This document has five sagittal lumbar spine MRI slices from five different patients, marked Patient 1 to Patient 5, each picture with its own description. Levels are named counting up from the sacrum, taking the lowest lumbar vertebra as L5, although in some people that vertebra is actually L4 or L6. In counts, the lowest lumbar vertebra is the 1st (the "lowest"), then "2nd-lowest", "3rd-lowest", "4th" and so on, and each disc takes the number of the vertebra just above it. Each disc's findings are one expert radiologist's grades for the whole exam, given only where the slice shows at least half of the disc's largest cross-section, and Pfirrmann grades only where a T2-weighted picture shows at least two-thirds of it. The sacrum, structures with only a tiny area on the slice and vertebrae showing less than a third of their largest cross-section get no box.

Patient 1 of 5:
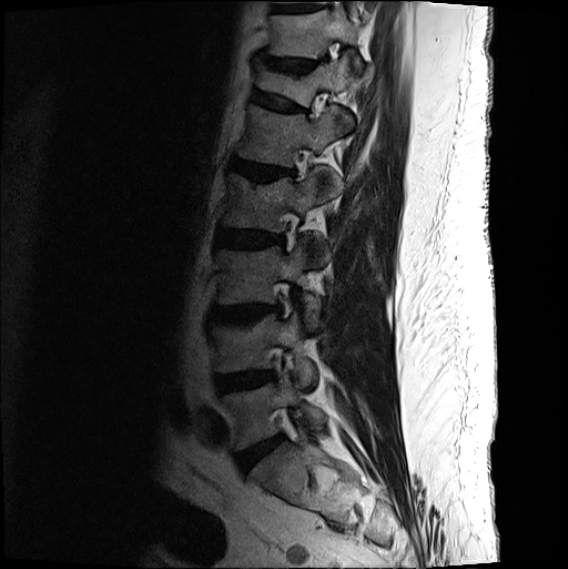 MRI lumbar spine (T2-weighted), sagittal plane; 568x569 px; Sagittal slice index 14

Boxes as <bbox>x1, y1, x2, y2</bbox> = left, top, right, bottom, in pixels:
{"disc T12/L1": "<bbox>253, 90, 304, 110</bbox>", "L3 vertebra": "<bbox>216, 241, 326, 328</bbox>", "T11": "<bbox>266, 9, 363, 69</bbox>", "L4/L5": "<bbox>215, 370, 276, 392</bbox>", "L5": "<bbox>222, 375, 325, 449</bbox>", "T12 vertebra": "<bbox>256, 54, 356, 128</bbox>", "L2": "<bbox>221, 171, 340, 264</bbox>", "L2/L3": "<bbox>216, 228, 284, 247</bbox>", "L3/L4": "<bbox>210, 304, 281, 323</bbox>", "disc T11/T12": "<bbox>254, 52, 326, 73</bbox>", "L1 vertebra": "<bbox>236, 104, 348, 167</bbox>", "disc L5/S1": "<bbox>237, 435, 283, 470</bbox>", "L4 vertebra": "<bbox>210, 310, 317, 386</bbox>", "disc L1/L2": "<bbox>230, 157, 295, 180</bbox>"}

Per-level radiological findings:
• T12/L1: Pfirrmann grade 2, lower-endplate change, disc bulging, upper-endplate change, spondylolisthesis
• L2/L3: Pfirrmann grade 3, lower-endplate change, disc bulging
• L4/L5: Pfirrmann grade 3, disc bulging, disc narrowing
• L1/L2: Pfirrmann grade 3, disc bulging, upper-endplate change, disc narrowing, Modic type II, lower-endplate change
• L3/L4: Pfirrmann grade 3, lower-endplate change, Modic type II, upper-endplate change, disc bulging
• T11/T12: Pfirrmann grade 2, disc narrowing, disc bulging, lower-endplate change, upper-endplate change

Patient 2 of 5:
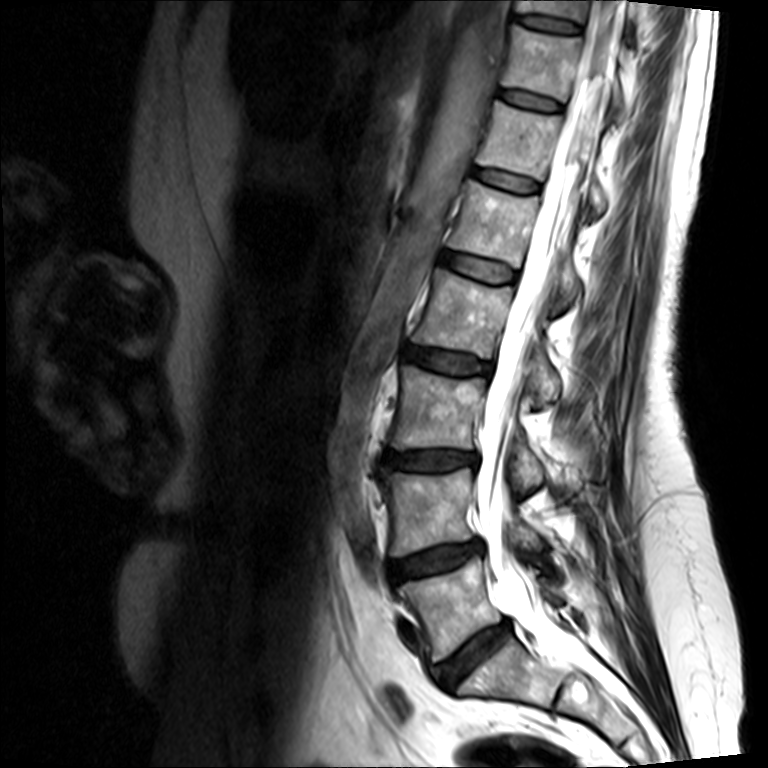 Field of view 280x280 mm; Sex F; Sagittal T2-weighted lumbar spine MRI
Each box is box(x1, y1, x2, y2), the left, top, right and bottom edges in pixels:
Disc L1/L2 (5th disc) — box(441, 251, 515, 281).
L2 (4th vertebra) — box(414, 267, 561, 401).
L3/L4 (3rd-lowest disc) — box(384, 450, 478, 469).
L1 (5th vertebra) — box(450, 180, 582, 300).
T11 (7th vertebra) — box(502, 23, 625, 110).
T11/T12 (7th disc) — box(501, 88, 562, 112).
L5/S1 (lowest disc) — box(431, 620, 511, 690).
T10 (8th vertebra) — box(517, 0, 645, 21).
Disc T12/L1 (6th disc) — box(474, 167, 539, 192).
L4 (2nd-lowest vertebra) — box(385, 468, 539, 556).
T12 (6th vertebra) — box(478, 101, 607, 210).
Disc L4/L5 (2nd-lowest disc) — box(390, 539, 485, 581).
Disc T10/T11 (8th disc) — box(512, 10, 582, 34).
Thecal sac / spinal canal — box(476, 0, 622, 675).
L5 (lowest vertebra) — box(398, 557, 562, 660).
L3 (3rd-lowest vertebra) — box(392, 364, 543, 484).
L2/L3 (4th disc) — box(405, 346, 492, 375).

Degenerative findings by level:
- T12/L1 (6th disc): Pfirrmann grade 2
- T10/T11 (8th disc): Pfirrmann grade 2
- L1/L2 (5th disc): Pfirrmann grade 2
- L4/L5 (2nd-lowest disc): Pfirrmann grade 3, disc herniation, disc narrowing, Modic type II, disc bulging
- T11/T12 (7th disc): Pfirrmann grade 2
- L5/S1 (lowest disc): Pfirrmann grade 3, disc narrowing, disc bulging
- L2/L3 (4th disc): Pfirrmann grade 3, disc bulging
- L3/L4 (3rd-lowest disc): Pfirrmann grade 3, upper-endplate change, lower-endplate change, disc narrowing, disc bulging

Patient 3 of 5:
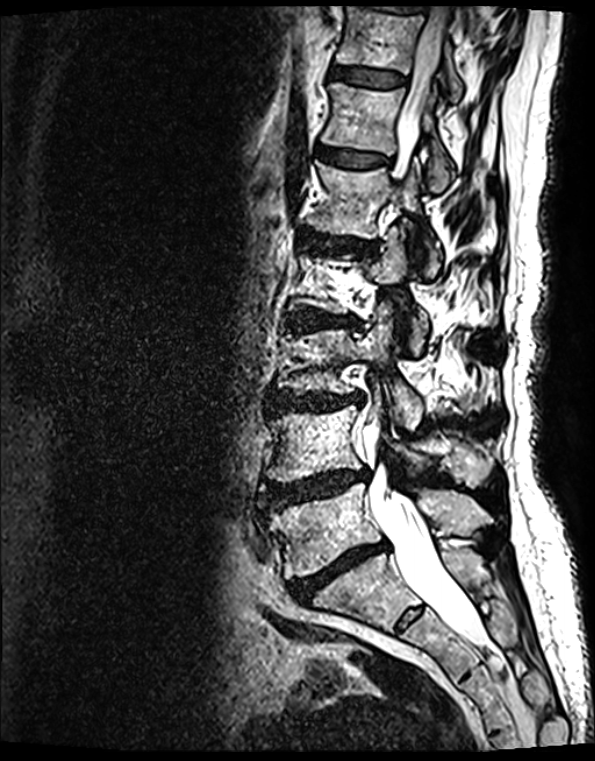 Image 595x761. T2 SPACE (3D) sagittal MRI of the lumbar spine. Slice spacing 0.9 mm.
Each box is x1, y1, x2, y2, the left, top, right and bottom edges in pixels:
L5/S1 — 291, 543, 384, 601.
L1 vertebra — 314, 164, 440, 272.
L3 vertebra — 277, 306, 422, 430.
Spinal canal — 370, 7, 477, 643.
Intervertebral disc L2/L3 — 293, 312, 351, 329.
L1/L2 — 314, 236, 362, 251.
Intervertebral disc L3/L4 — 270, 391, 359, 410.
L4 vertebra — 269, 390, 480, 485.
L5 — 270, 483, 491, 579.
T12/L1 — 319, 148, 385, 168.
Intervertebral disc L4/L5 — 267, 470, 369, 509.
Intervertebral disc T11/T12 — 330, 67, 405, 88.
T12 — 323, 84, 451, 192.
T11 — 336, 7, 461, 102.

Per-level radiological findings:
  L5/S1: Pfirrmann grade 5, upper-endplate change, lower-endplate change, disc bulging, Modic type II, disc narrowing
  T12/L1: Pfirrmann grade 2, lower-endplate change, upper-endplate change, Modic type II
  T11/T12: Pfirrmann grade 2, Modic type II, lower-endplate change, upper-endplate change
  L3/L4: Pfirrmann grade 4, lower-endplate change, disc narrowing, Modic type II, upper-endplate change, disc bulging
  L4/L5: Pfirrmann grade 4, Modic type II, disc bulging, disc herniation, upper-endplate change, disc narrowing, lower-endplate change

Patient 4 of 5:
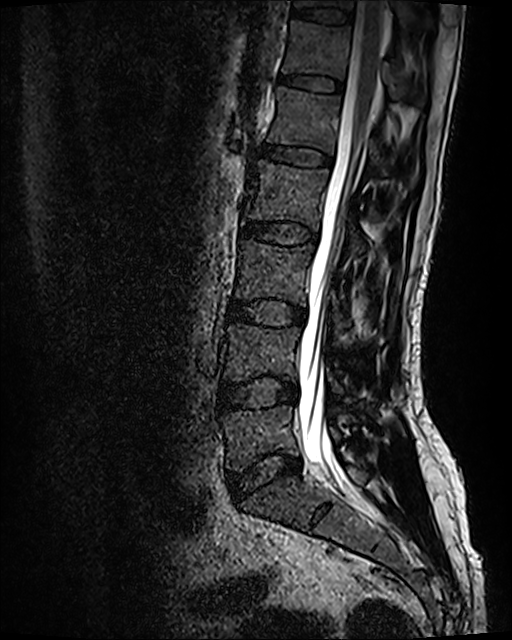 T2 SPACE (3D) sagittal MRI of the lumbar spine; Sagittal slice index 61
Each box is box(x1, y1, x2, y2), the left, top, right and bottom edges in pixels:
{"T11 (7th vertebra)": "box(313, 0, 433, 29)", "L1/L2 (5th disc)": "box(261, 143, 331, 166)", "L1 (5th vertebra)": "box(267, 86, 417, 186)", "disc L5/S1 (lowest disc)": "box(229, 450, 300, 499)", "L2 (4th vertebra)": "box(244, 160, 365, 254)", "L4 (2nd-lowest vertebra)": "box(223, 324, 344, 394)", "spinal canal": "box(299, 1, 384, 488)", "L3 (3rd-lowest vertebra)": "box(235, 238, 349, 329)", "L5 (lowest vertebra)": "box(221, 404, 340, 471)", "disc L4/L5 (2nd-lowest disc)": "box(220, 376, 297, 410)", "T12 (6th vertebra)": "box(282, 20, 407, 99)", "L3/L4 (3rd-lowest disc)": "box(227, 300, 305, 326)", "disc T11/T12 (7th disc)": "box(290, 6, 352, 24)", "L2/L3 (4th disc)": "box(242, 220, 316, 244)", "disc T12/L1 (6th disc)": "box(279, 74, 342, 91)"}

Radiological gradings:
- L4/L5 (2nd-lowest disc): Pfirrmann grade 2, disc bulging
- L5/S1 (lowest disc): Pfirrmann grade 2, disc bulging
- T12/L1 (6th disc): Pfirrmann grade 2
- T11/T12 (7th disc): Pfirrmann grade 2
- L1/L2 (5th disc): Pfirrmann grade 2
- L2/L3 (4th disc): Pfirrmann grade 2
- L3/L4 (3rd-lowest disc): Pfirrmann grade 2, disc bulging

Patient 5 of 5:
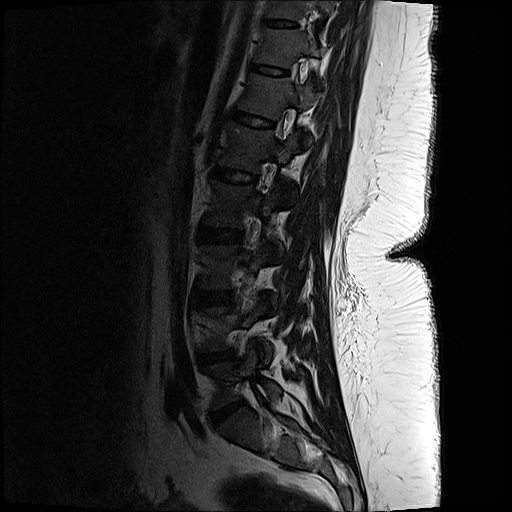

Sagittal T2-weighted lumbar spine MRI | Sex F

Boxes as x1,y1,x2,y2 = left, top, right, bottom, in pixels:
L5 — 210,342,278,409.
Intervertebral disc L5/S1 — 210,399,242,424.
Intervertebral disc L3/L4 — 194,291,231,304.
L2/L3 — 200,226,242,245.
L2 — 209,181,281,254.
Intervertebral disc T12/L1 — 229,109,277,130.
Intervertebral disc L1/L2 — 212,168,258,184.
T10/T11 — 266,20,296,28.
Intervertebral disc L4/L5 — 198,350,233,364.
T12 — 241,74,316,118.
L1 — 219,122,299,173.
T11/T12 — 250,62,290,76.
T10 vertebra — 267,0,331,21.
T11 vertebra — 256,29,320,66.

Expert MSK radiologist gradings (per disc):
- T12/L1: Pfirrmann grade 1
- T11/T12: Pfirrmann grade 1
- L1/L2, T10/T11, L2/L3: no spondylolisthesis, narrowing, bulging, herniation, Modic or endplate change recorded